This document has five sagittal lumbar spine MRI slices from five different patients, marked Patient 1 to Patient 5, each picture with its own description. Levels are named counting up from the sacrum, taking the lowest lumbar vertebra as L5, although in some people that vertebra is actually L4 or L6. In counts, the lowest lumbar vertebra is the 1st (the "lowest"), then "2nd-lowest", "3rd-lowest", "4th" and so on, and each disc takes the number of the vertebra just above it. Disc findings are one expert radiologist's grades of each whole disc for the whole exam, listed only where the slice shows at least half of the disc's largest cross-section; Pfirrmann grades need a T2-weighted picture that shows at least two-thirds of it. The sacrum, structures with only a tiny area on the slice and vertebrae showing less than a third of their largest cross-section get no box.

Patient 1 of 5:
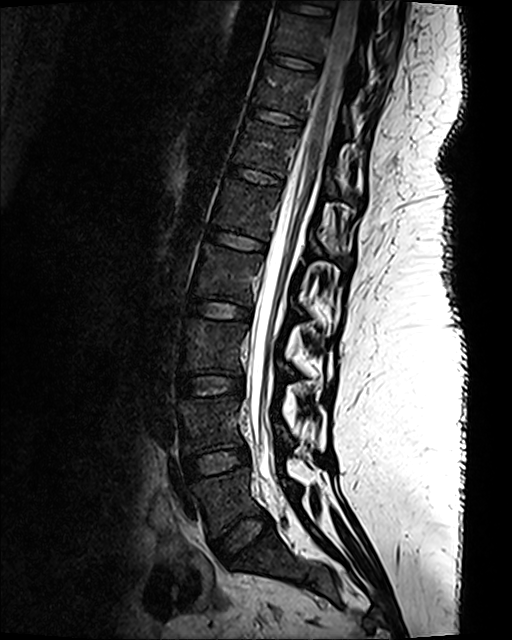

T2 SPACE (3D) sagittal MRI of the lumbar spine | Slice 65/120 | 512x640 px
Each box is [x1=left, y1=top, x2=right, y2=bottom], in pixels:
L3/L4: [x1=179, y1=374, x2=243, y2=396].
Disc L4/L5: [x1=184, y1=445, x2=250, y2=478].
L1 vertebra: [x1=212, y1=179, x2=349, y2=265].
T11 vertebra: [x1=253, y1=64, x2=350, y2=133].
Disc T12/L1: [x1=229, y1=164, x2=282, y2=185].
Disc L1/L2: [x1=207, y1=229, x2=265, y2=250].
L5/S1: [x1=214, y1=511, x2=271, y2=563].
L3 vertebra: [x1=181, y1=317, x2=296, y2=377].
Disc L2/L3: [x1=187, y1=298, x2=250, y2=319].
Disc T10/T11: [x1=267, y1=52, x2=318, y2=71].
T12 vertebra: [x1=234, y1=120, x2=360, y2=202].
T11/T12: [x1=250, y1=107, x2=302, y2=125].
T10: [x1=272, y1=11, x2=364, y2=74].
L5: [x1=190, y1=467, x2=297, y2=537].
L2 vertebra: [x1=192, y1=244, x2=306, y2=317].
Spinal canal: [x1=246, y1=0, x2=359, y2=504].
L4: [x1=178, y1=394, x2=292, y2=454].

Radiological gradings:
• L4/L5: Pfirrmann grade 1
• T12/L1: Pfirrmann grade 1
• T11/T12: Pfirrmann grade 1
• T10/T11: Pfirrmann grade 1
• L3/L4: Pfirrmann grade 1
• L1/L2: Pfirrmann grade 1
• L5/S1: Pfirrmann grade 1
• L2/L3: Pfirrmann grade 1

Patient 2 of 5:
Scanner: Philips Healthcare Ingenia (3T), Slice 31/41, MRI lumbar spine (T1-weighted), sagittal plane
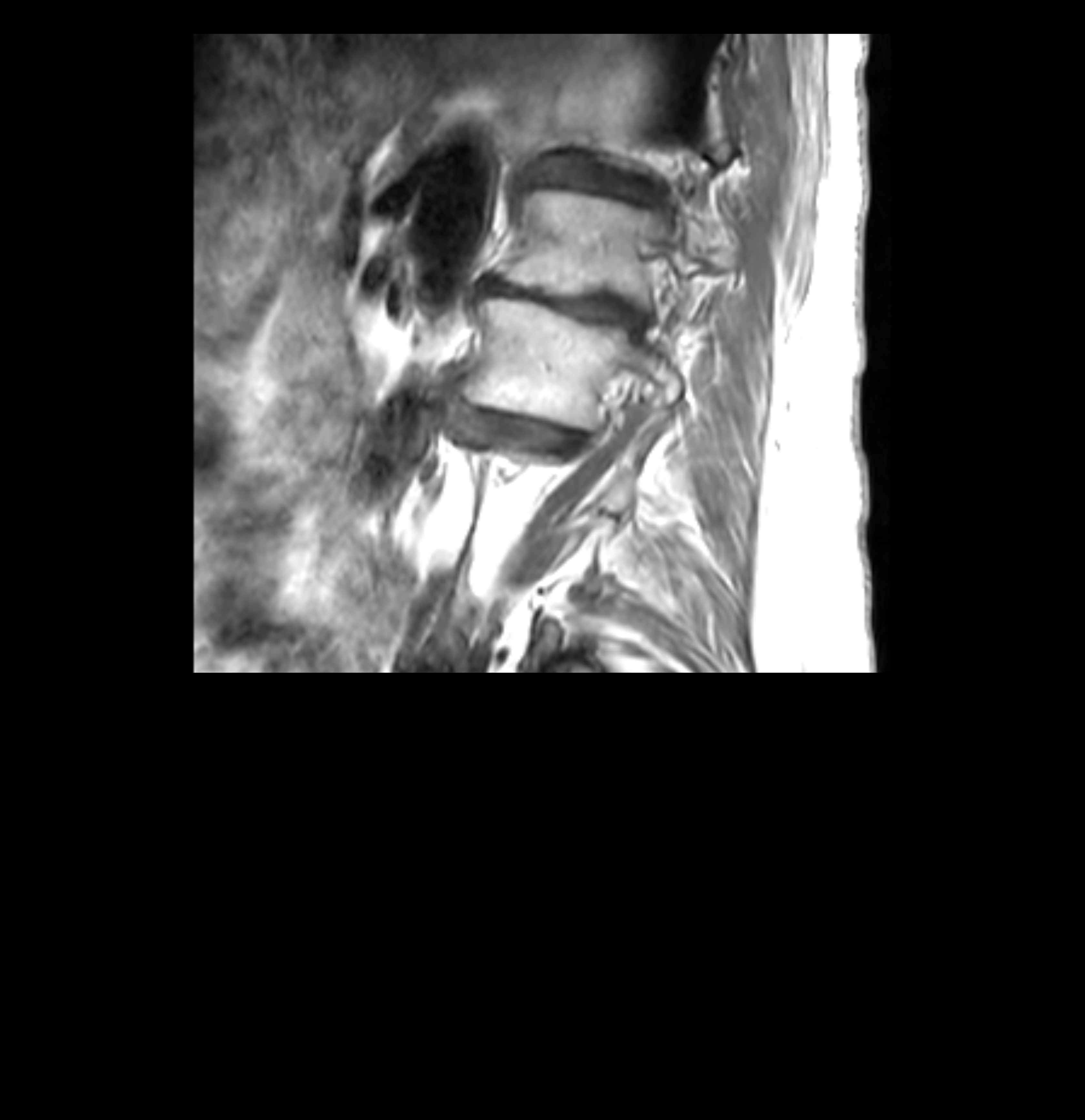
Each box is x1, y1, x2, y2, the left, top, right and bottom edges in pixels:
{"T12/L1 (6th disc)": "526, 165, 658, 207", "disc L1/L2 (5th disc)": "487, 277, 641, 325", "L1 (5th vertebra)": "501, 190, 736, 306", "L2 (4th vertebra)": "463, 300, 680, 430", "disc L2/L3 (4th disc)": "450, 402, 591, 460"}

Per-level radiological findings:
  T12/L1 (6th disc): Modic type II, upper-endplate change, disc bulging, disc narrowing, lower-endplate change
  L2/L3 (4th disc): disc bulging, lower-endplate change, disc narrowing, Modic type II, upper-endplate change
  L1/L2 (5th disc): upper-endplate change, disc bulging, Modic type II, lower-endplate change, disc narrowing

Patient 3 of 5:
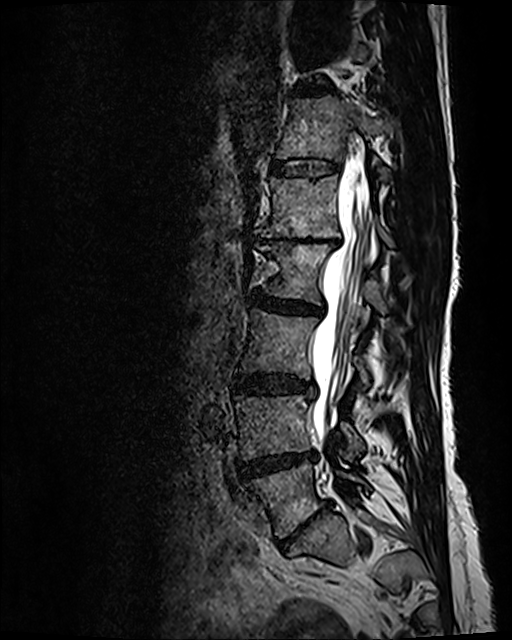 Lumbar spine MR, T2 SPACE (3D), sagittal, Slice 56 of 120

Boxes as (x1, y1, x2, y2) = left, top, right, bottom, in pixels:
4th disc: (251, 291, 321, 314) | 6th vertebra: (277, 96, 395, 181) | lowest disc: (279, 505, 327, 548) | 6th disc: (269, 158, 338, 176) | 2nd-lowest vertebra: (234, 395, 365, 460) | 4th vertebra: (255, 244, 391, 314) | 2nd-lowest disc: (238, 452, 315, 478) | lowest vertebra: (241, 461, 370, 536) | 7th disc: (293, 84, 333, 96) | 3rd-lowest vertebra: (241, 309, 368, 388) | 5th disc: (258, 234, 341, 245) | 5th vertebra: (256, 175, 392, 245) | thecal sac / spinal canal: (310, 161, 368, 445) | 3rd-lowest disc: (233, 374, 313, 396)

Degenerative findings by level:
• 3rd-lowest disc: Pfirrmann grade 3, disc bulging
• 4th disc: disc narrowing, disc bulging
• 2nd-lowest disc: Pfirrmann grade 4, Modic type II, disc narrowing, disc bulging
• 5th disc: Pfirrmann grade 5, lower-endplate change, disc narrowing, upper-endplate change, disc bulging, Modic type II
• 6th disc: Pfirrmann grade 2

Patient 4 of 5:
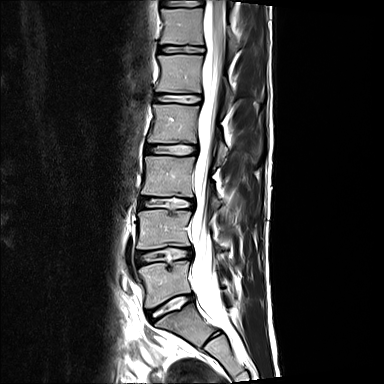 Slice 9/15, Sagittal T2-weighted lumbar spine MRI

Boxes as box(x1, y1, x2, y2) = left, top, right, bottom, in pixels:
T12/L1 at box(159, 45, 203, 53); IVD L1/L2 at box(154, 94, 200, 103); L2/L3 at box(146, 144, 196, 154); T12 at box(160, 8, 240, 51); L3/L4 at box(141, 197, 195, 209); T11/T12 at box(161, 2, 203, 8); T11 vertebra at box(165, 0, 200, 6); L5 vertebra at box(139, 261, 225, 307); L4/L5 at box(136, 247, 191, 264); L1 at box(156, 55, 234, 106); L4 at box(137, 210, 220, 250); L2 vertebra at box(148, 104, 261, 163); thecal sac / spinal canal at box(191, 0, 224, 325); IVD L5/S1 at box(146, 293, 194, 321); L3 vertebra at box(141, 156, 221, 206).

Radiological gradings:
• L2/L3: Pfirrmann grade 2, lower-endplate change
• L1/L2: Pfirrmann grade 2
• L5/S1: Pfirrmann grade 2, upper-endplate change
• T12/L1: Pfirrmann grade 2, upper-endplate change, lower-endplate change
• T11/T12: Pfirrmann grade 2, upper-endplate change
• L4/L5: Pfirrmann grade 2, lower-endplate change, disc bulging, upper-endplate change
• L3/L4: Pfirrmann grade 2, disc narrowing, lower-endplate change, upper-endplate change

Patient 5 of 5:
MRI lumbar spine (T2-weighted), sagittal plane 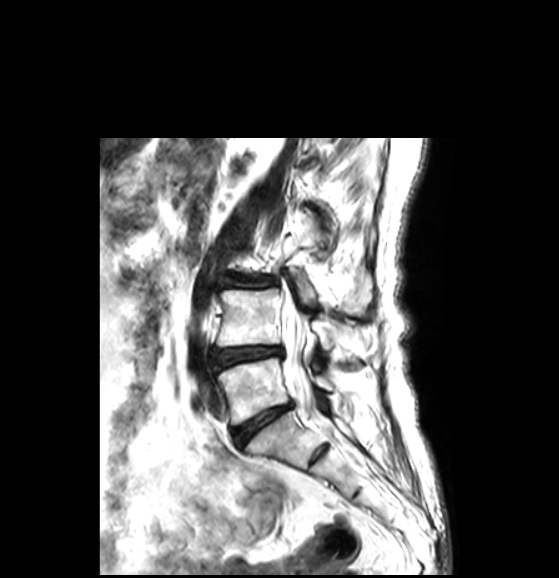 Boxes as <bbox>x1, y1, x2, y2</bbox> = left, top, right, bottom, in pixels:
Annotations:
• lowest vertebra — <bbox>218, 358, 334, 424</bbox>
• 2nd-lowest disc — <bbox>215, 347, 281, 368</bbox>
• 3rd-lowest disc — <bbox>227, 277, 267, 286</bbox>
• spinal canal — <bbox>281, 301, 317, 418</bbox>
• lowest disc — <bbox>232, 404, 291, 444</bbox>
• 3rd-lowest vertebra — <bbox>283, 215, 371, 314</bbox>
• 2nd-lowest vertebra — <bbox>217, 288, 367, 351</bbox>

Degenerative findings by level:
  lowest disc: Pfirrmann grade 3, disc narrowing, disc bulging
  2nd-lowest disc: Pfirrmann grade 3, disc bulging